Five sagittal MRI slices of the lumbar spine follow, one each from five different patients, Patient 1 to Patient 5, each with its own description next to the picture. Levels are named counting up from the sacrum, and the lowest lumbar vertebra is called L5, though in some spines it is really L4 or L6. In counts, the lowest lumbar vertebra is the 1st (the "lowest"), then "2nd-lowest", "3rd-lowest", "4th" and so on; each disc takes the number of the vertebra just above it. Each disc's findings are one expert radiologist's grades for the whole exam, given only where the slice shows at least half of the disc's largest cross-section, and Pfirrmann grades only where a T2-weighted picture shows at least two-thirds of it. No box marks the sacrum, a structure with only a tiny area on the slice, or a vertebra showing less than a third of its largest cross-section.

Patient 1 of 5:
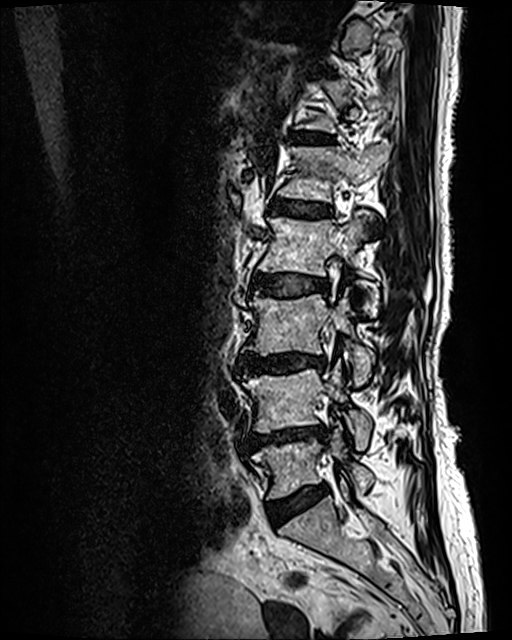

512x640 px | Slice 45 of 120 | Sagittal T2 SPACE (3D) lumbar spine MRI
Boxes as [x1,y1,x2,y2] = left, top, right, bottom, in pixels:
{"L2 vertebra": "[257,217,378,310]", "T12/L1": "[290,132,332,143]", "L1/L2": "[270,199,330,217]", "L1 vertebra": "[278,144,390,201]", "L4 vertebra": "[241,360,371,450]", "IVD L5/S1": "[269,485,327,526]", "L4/L5": "[243,425,327,451]", "IVD L2/L3": "[253,273,328,296]", "L5": "[252,423,374,499]", "IVD L3/L4": "[238,354,326,373]", "L3 vertebra": "[242,290,374,385]"}

Per-level radiological findings:
  L1/L2: Pfirrmann grade 3, lower-endplate change, Modic type II, upper-endplate change
  L2/L3: Pfirrmann grade 3, lower-endplate change, upper-endplate change, disc bulging, Modic type II
  L5/S1: disc bulging
  T12/L1: Modic type II, lower-endplate change, upper-endplate change
  L3/L4: Pfirrmann grade 4, disc narrowing, disc bulging, Modic type II, lower-endplate change, upper-endplate change
  L4/L5: Pfirrmann grade 4, lower-endplate change, disc bulging, disc narrowing, upper-endplate change, Modic type II

Patient 2 of 5:
Sex F, Philips Healthcare Ingenia (3T), Lumbar spine MR, T1-weighted, sagittal, Sagittal slice index 7, Field of view 280x280 mm 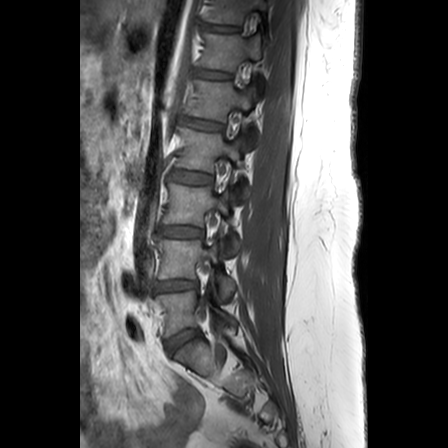

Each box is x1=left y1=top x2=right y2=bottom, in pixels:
Segmented structures:
• L1 vertebra at x1=186 y1=80 x2=258 y2=148
• T11 at x1=203 y1=0 x2=267 y2=23
• T12 at x1=199 y1=33 x2=262 y2=70
• L2 at x1=176 y1=127 x2=249 y2=202
• intervertebral disc L4/L5 at x1=155 y1=280 x2=197 y2=290
• L2/L3 at x1=170 y1=170 x2=212 y2=183
• T11/T12 at x1=202 y1=24 x2=239 y2=32
• intervertebral disc L1/L2 at x1=180 y1=119 x2=223 y2=130
• L4 at x1=158 y1=239 x2=234 y2=297
• T12/L1 at x1=196 y1=70 x2=230 y2=78
• L3 vertebra at x1=163 y1=184 x2=239 y2=254
• L5 vertebra at x1=156 y1=285 x2=237 y2=335
• intervertebral disc L5/S1 at x1=165 y1=329 x2=198 y2=352
• intervertebral disc L3/L4 at x1=159 y1=225 x2=203 y2=236

Expert MSK radiologist gradings (per disc):
  L4/L5: disc narrowing
  L1/L2: disc bulging, Modic type II, upper-endplate change
  L3/L4: upper-endplate change
  T12/L1, T11/T12, L2/L3, L5/S1: no Modic or endplate change, herniation, narrowing, bulging or spondylolisthesis recorded

Patient 3 of 5:
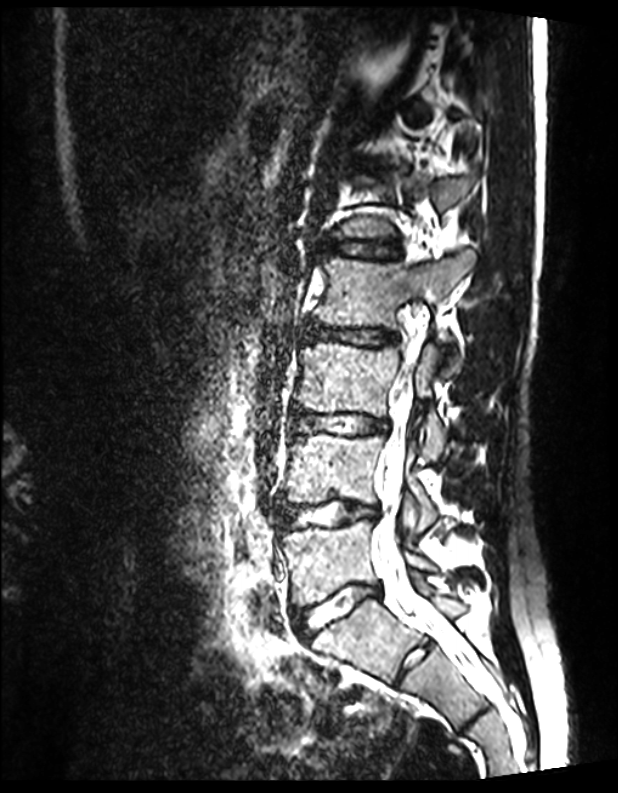 T2 SPACE (3D) sagittal MRI of the lumbar spine | Patient sex: M

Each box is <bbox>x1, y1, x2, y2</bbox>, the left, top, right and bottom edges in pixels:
Structures:
* intervertebral disc L4/L5 = <bbox>277, 500, 376, 528</bbox>
* L2 = <bbox>315, 248, 474, 376</bbox>
* spinal canal = <bbox>372, 335, 484, 684</bbox>
* L4 vertebra = <bbox>286, 433, 438, 530</bbox>
* intervertebral disc L1/L2 = <bbox>320, 239, 400, 258</bbox>
* intervertebral disc L5/S1 = <bbox>294, 585, 379, 638</bbox>
* L2/L3 = <bbox>305, 324, 398, 345</bbox>
* L5 = <bbox>284, 520, 434, 606</bbox>
* L3 vertebra = <bbox>294, 342, 446, 460</bbox>
* intervertebral disc L3/L4 = <bbox>290, 412, 387, 434</bbox>

Per-level radiological findings:
- L3/L4: Pfirrmann grade 1
- L2/L3: Pfirrmann grade 1
- L4/L5: Pfirrmann grade 1
- L1/L2: Pfirrmann grade 1
- L5/S1: Pfirrmann grade 1

Patient 4 of 5:
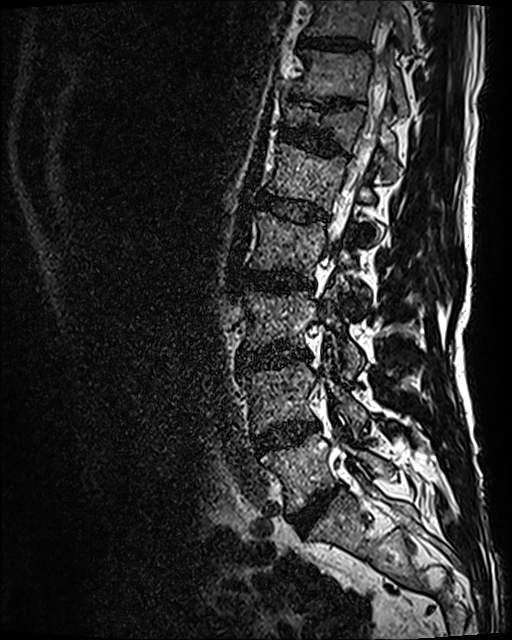
Image 512x640; Sagittal T2 SPACE (3D) lumbar spine MRI

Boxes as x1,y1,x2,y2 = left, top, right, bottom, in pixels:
{"L2 vertebra": "251,212,362,292", "L3": "245,289,364,379", "disc T11/T12": "319,99,352,108", "disc T12/L1": "281,119,347,155", "T10": "307,0,410,48", "L4/L5": "254,423,318,453", "T12 vertebra": "288,105,397,181", "disc L1/L2": "258,194,327,222", "L5 vertebra": "262,428,391,512", "thecal sac / spinal canal": "319,0,391,455", "disc L2/L3": "239,269,313,290", "L4 vertebra": "241,357,366,433", "L1": "268,143,377,240", "T11 vertebra": "293,50,408,116", "L5/S1": "290,489,334,533", "disc T10/T11": "301,37,362,49", "L3/L4": "238,347,309,368"}

Expert MSK radiologist gradings (per disc):
- L5/S1: disc bulging, disc narrowing
- T11/T12: upper-endplate change, disc narrowing, lower-endplate change
- L1/L2: Pfirrmann grade 3
- L2/L3: Pfirrmann grade 3, disc bulging, Modic type II
- L3/L4: Pfirrmann grade 4, Modic type II, disc narrowing, disc bulging
- T12/L1: Pfirrmann grade 3, lower-endplate change, upper-endplate change
- T10/T11: Pfirrmann grade 3
- L4/L5: Pfirrmann grade 3, Modic type II, disc bulging

Patient 5 of 5:
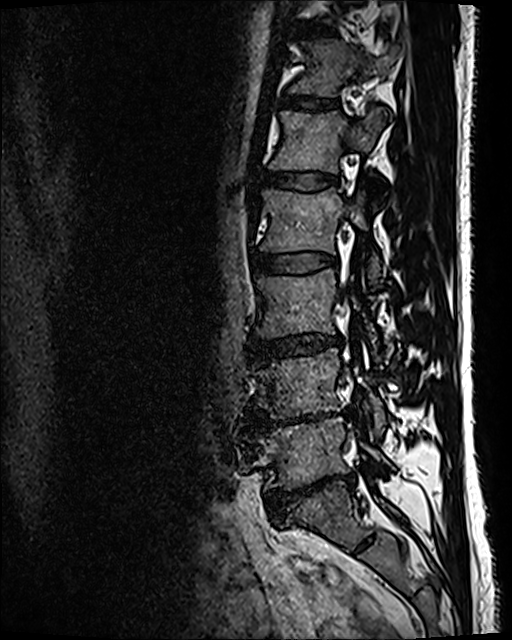 Sagittal T2 SPACE (3D) lumbar spine MRI
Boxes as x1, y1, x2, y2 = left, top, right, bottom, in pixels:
6th vertebra at 290, 40, 398, 96; 4th vertebra at 260, 187, 381, 281; 7th disc at 298, 26, 336, 39; 5th vertebra at 270, 109, 383, 173; 3rd-lowest disc at 252, 334, 342, 360; 3rd-lowest vertebra at 256, 269, 378, 350; 2nd-lowest disc at 256, 413, 330, 428; lowest vertebra at 259, 418, 393, 490; 4th disc at 254, 253, 337, 274; 2nd-lowest vertebra at 253, 349, 385, 434; 6th disc at 283, 95, 337, 110; 5th disc at 263, 171, 337, 190; lowest disc at 267, 475, 352, 519.

Radiological gradings:
- 3rd-lowest disc: Pfirrmann grade 3, disc bulging, disc narrowing
- 6th disc: Pfirrmann grade 2
- 5th disc: Pfirrmann grade 2
- 4th disc: Pfirrmann grade 2
- lowest disc: Pfirrmann grade 5, disc narrowing, lower-endplate change, spondylolisthesis, disc bulging